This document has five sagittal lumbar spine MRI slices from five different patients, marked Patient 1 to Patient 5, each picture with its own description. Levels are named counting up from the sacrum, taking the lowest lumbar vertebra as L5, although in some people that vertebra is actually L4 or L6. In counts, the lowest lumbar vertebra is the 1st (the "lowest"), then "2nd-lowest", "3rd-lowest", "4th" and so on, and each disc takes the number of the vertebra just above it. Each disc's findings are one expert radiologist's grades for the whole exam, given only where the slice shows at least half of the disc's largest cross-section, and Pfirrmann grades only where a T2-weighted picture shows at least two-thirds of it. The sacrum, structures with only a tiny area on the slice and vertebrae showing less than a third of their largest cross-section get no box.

Patient 1 of 5:
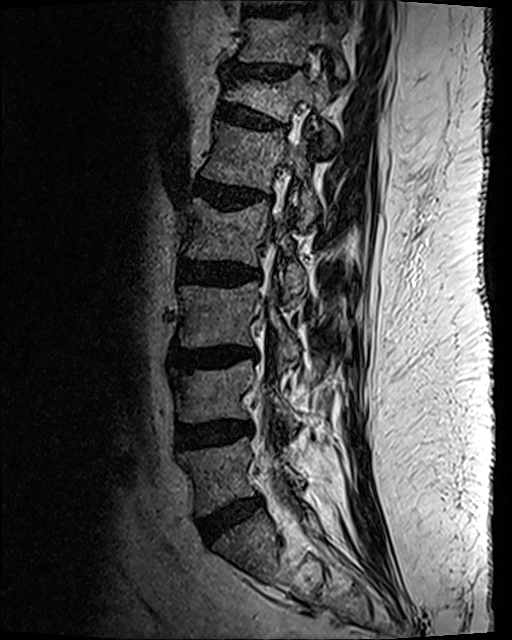
Field of view 240x300 mm, slice spacing 0.9 mm | Sagittal T2 SPACE (3D) lumbar spine MRI
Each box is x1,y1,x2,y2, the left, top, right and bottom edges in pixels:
Structures:
- intervertebral disc T12/L1: 218,104,282,129
- L3: 180,282,299,372
- L2 vertebra: 186,199,306,297
- L5: 180,437,302,515
- T11: 240,15,345,77
- intervertebral disc L2/L3: 178,261,260,287
- intervertebral disc L4/L5: 176,423,251,449
- L5/S1: 198,496,262,543
- intervertebral disc L3/L4: 177,349,256,370
- T12: 224,73,332,143
- intervertebral disc T10/T11: 245,9,296,17
- L1/L2: 194,180,258,210
- L4: 178,362,298,432
- T11/T12: 231,65,295,81
- thecal sac / spinal canal: 258,124,300,463
- L1: 203,123,318,228

Degenerative findings by level:
  L1/L2: Pfirrmann grade 3, upper-endplate change, disc narrowing, Modic type II, disc bulging, lower-endplate change
  L5/S1: Pfirrmann grade 2, disc bulging
  T11/T12: Pfirrmann grade 2, upper-endplate change, lower-endplate change, disc narrowing, disc bulging
  T12/L1: Pfirrmann grade 2, upper-endplate change, lower-endplate change, spondylolisthesis, disc bulging
  L3/L4: Pfirrmann grade 3, disc bulging, lower-endplate change, upper-endplate change, Modic type II
  L4/L5: Pfirrmann grade 3, disc bulging, disc narrowing
  L2/L3: Pfirrmann grade 3, lower-endplate change, disc bulging

Patient 2 of 5:
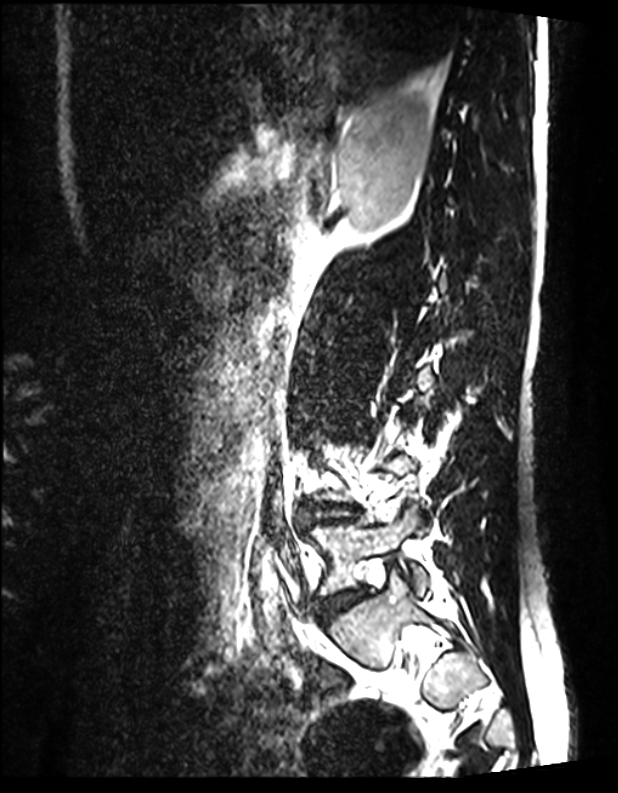
T2 SPACE (3D) sagittal MRI of the lumbar spine; Sagittal slice index 42; Patient sex: M

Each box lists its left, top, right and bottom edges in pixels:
Disc L5/S1 (lowest disc) — left=320, top=587, right=366, bottom=620.
L4/L5 (2nd-lowest disc) — left=309, top=505, right=354, bottom=522.
L5 (lowest vertebra) — left=307, top=505, right=428, bottom=595.

Patient 3 of 5:
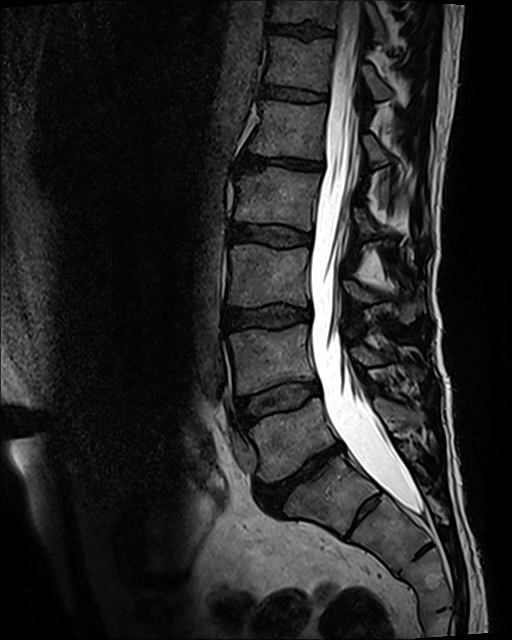 512x640 px | MRI lumbar spine (T2 SPACE (3D)), sagittal plane | Slice spacing 0.9 mm
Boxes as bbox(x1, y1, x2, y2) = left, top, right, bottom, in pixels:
T11/T12 at bbox(271, 23, 332, 38); T12/L1 at bbox(260, 82, 325, 101); L1 vertebra at bbox(249, 100, 389, 164); intervertebral disc L1/L2 at bbox(238, 154, 321, 170); L4/L5 at bbox(240, 382, 318, 425); T12 at bbox(266, 37, 393, 99); spinal canal at bbox(309, 0, 422, 514); L4 vertebra at bbox(229, 324, 424, 393); L5/S1 at bbox(257, 443, 343, 510); L5 at bbox(249, 398, 424, 482); T11 at bbox(272, 0, 384, 41); L2 at bbox(235, 168, 377, 236); L3 at bbox(228, 244, 425, 322); L3/L4 at bbox(227, 308, 310, 329); intervertebral disc L2/L3 at bbox(230, 223, 312, 245).

Degenerative findings by level:
• L4/L5: Pfirrmann grade 3, Modic type II
• L5/S1: Pfirrmann grade 5, disc narrowing, disc bulging, Modic type II, lower-endplate change, upper-endplate change
• T11/T12: Pfirrmann grade 3, upper-endplate change, lower-endplate change
• L1/L2: Pfirrmann grade 5, upper-endplate change, Modic type II, disc bulging, lower-endplate change, disc narrowing
• T12/L1: Pfirrmann grade 3
• L3/L4: Pfirrmann grade 3, lower-endplate change, upper-endplate change, disc bulging
• L2/L3: Pfirrmann grade 3

Patient 4 of 5:
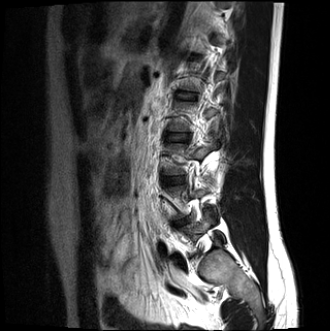 330x331 px; Lumbar spine MR, T2-weighted, sagittal; Slice 12 of 14

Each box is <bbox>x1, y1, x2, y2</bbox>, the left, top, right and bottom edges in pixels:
L2/L3 (4th disc): <bbox>166, 133, 186, 140</bbox>.
L4/L5 (2nd-lowest disc): <bbox>174, 218, 189, 226</bbox>.
IVD L3/L4 (3rd-lowest disc): <bbox>163, 177, 182, 184</bbox>.

Patient 5 of 5:
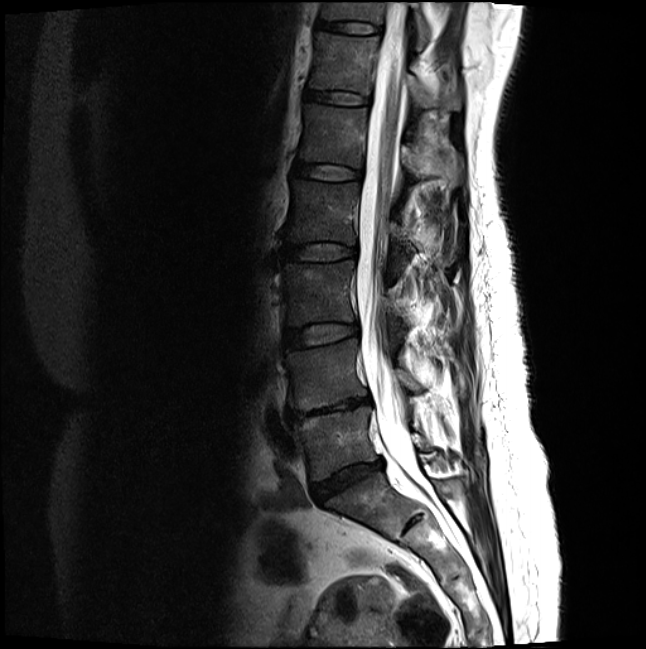 Slice 12 of 20, Sagittal T2-weighted lumbar spine MRI

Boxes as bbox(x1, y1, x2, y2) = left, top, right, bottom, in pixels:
{"T11/T12": "bbox(317, 19, 380, 33)", "L4 vertebra": "bbox(286, 339, 423, 410)", "L1 vertebra": "bbox(299, 102, 463, 186)", "L2/L3": "bbox(282, 242, 356, 259)", "L5 vertebra": "bbox(294, 406, 432, 480)", "T12 vertebra": "bbox(309, 31, 461, 108)", "L4/L5": "bbox(288, 397, 370, 421)", "disc L1/L2": "bbox(293, 162, 361, 179)", "disc T12/L1": "bbox(304, 89, 369, 103)", "T11": "bbox(322, 1, 429, 48)", "disc L5/S1": "bbox(311, 460, 382, 503)", "L2": "bbox(285, 179, 458, 266)", "L3": "bbox(282, 260, 410, 325)", "thecal sac / spinal canal": "bbox(356, 1, 420, 484)", "disc L3/L4": "bbox(285, 323, 357, 347)"}

Expert MSK radiologist gradings (per disc):
• L1/L2: Pfirrmann grade 2
• T12/L1: Pfirrmann grade 2
• L2/L3: Pfirrmann grade 2
• L4/L5: Pfirrmann grade 5, disc bulging, Modic type II, disc narrowing, lower-endplate change, upper-endplate change
• L5/S1: Pfirrmann grade 4, disc bulging, disc narrowing
• T11/T12: Pfirrmann grade 2
• L3/L4: Pfirrmann grade 2